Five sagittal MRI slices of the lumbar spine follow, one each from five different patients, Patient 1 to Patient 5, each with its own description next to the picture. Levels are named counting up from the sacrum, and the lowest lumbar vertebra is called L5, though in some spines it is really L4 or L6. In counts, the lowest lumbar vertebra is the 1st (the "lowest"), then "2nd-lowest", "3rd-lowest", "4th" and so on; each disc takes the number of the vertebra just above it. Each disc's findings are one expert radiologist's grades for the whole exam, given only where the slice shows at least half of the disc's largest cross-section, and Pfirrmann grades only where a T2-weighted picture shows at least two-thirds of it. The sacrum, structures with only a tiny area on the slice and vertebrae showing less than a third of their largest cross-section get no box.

Patient 1 of 5:
Image 591x598 | T2-weighted sagittal MRI of the lumbar spine
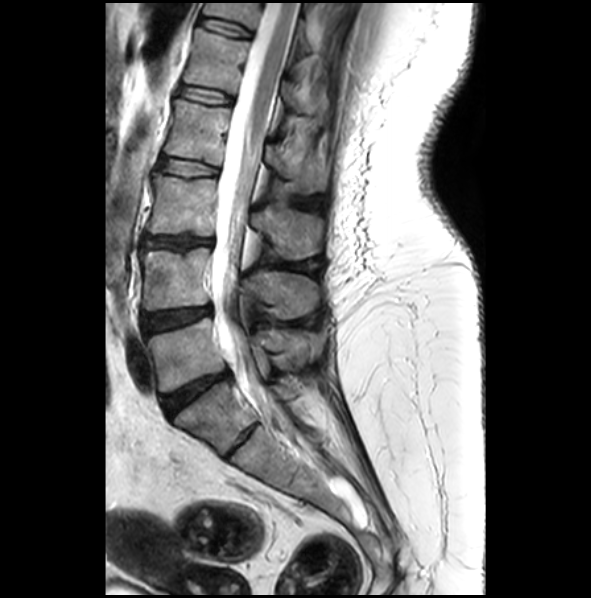
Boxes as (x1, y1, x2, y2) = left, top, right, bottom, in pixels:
Annotations:
• 2nd-lowest vertebra: (139, 247, 318, 318)
• 6th disc: (199, 18, 250, 36)
• 6th vertebra: (203, 2, 310, 52)
• 2nd-lowest disc: (141, 306, 211, 334)
• 3rd-lowest vertebra: (146, 173, 321, 259)
• 5th disc: (178, 85, 233, 103)
• 3rd-lowest disc: (141, 236, 211, 249)
• lowest vertebra: (148, 318, 320, 391)
• 4th vertebra: (165, 99, 328, 192)
• lowest disc: (161, 370, 231, 416)
• spinal canal: (211, 2, 296, 422)
• 5th vertebra: (183, 27, 301, 112)
• 4th disc: (160, 157, 217, 175)

Radiological gradings:
  2nd-lowest disc: Pfirrmann grade 3, disc bulging
  5th disc: Pfirrmann grade 2
  lowest disc: Pfirrmann grade 4, upper-endplate change, lower-endplate change, disc bulging
  4th disc: Pfirrmann grade 2
  3rd-lowest disc: Pfirrmann grade 3, Modic type II, disc bulging, upper-endplate change, lower-endplate change, disc narrowing
  6th disc: Pfirrmann grade 2

Patient 2 of 5:
767x778 px, Sagittal T2-weighted lumbar spine MRI, Scanner: SIEMENS Avanto_fit (1.5T), Slice spacing 4.8 mm, Slice 11/19

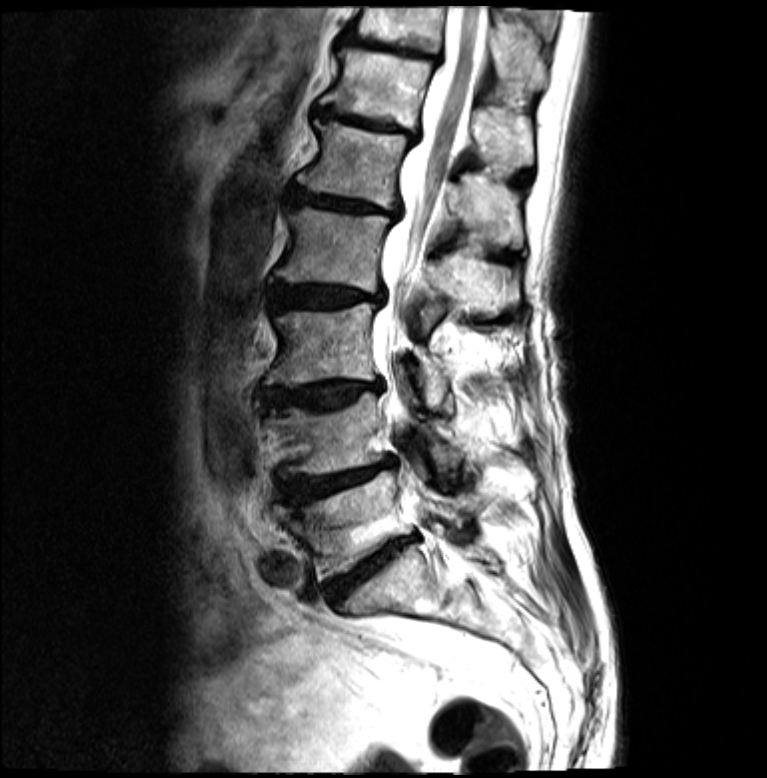
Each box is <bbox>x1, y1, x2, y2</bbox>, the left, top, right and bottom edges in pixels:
Disc L2/L3 — <bbox>270, 284, 384, 310</bbox>.
L4 — <bbox>264, 367, 462, 478</bbox>.
Disc L5/S1 — <bbox>327, 536, 416, 601</bbox>.
L1/L2 — <bbox>290, 189, 398, 220</bbox>.
L3 vertebra — <bbox>266, 304, 450, 409</bbox>.
L1 vertebra — <bbox>297, 121, 524, 250</bbox>.
Disc L4/L5 — <bbox>280, 458, 394, 503</bbox>.
L5 — <bbox>276, 469, 470, 575</bbox>.
T12/L1 — <bbox>315, 109, 418, 141</bbox>.
L2 — <bbox>276, 210, 518, 329</bbox>.
Disc L3/L4 — <bbox>266, 381, 382, 409</bbox>.
Disc T11/T12 — <bbox>341, 38, 442, 65</bbox>.
Thecal sac / spinal canal — <bbox>373, 7, 486, 416</bbox>.
T12 vertebra — <bbox>321, 53, 534, 167</bbox>.
T11 — <bbox>349, 7, 548, 90</bbox>.

Radiological gradings:
- L5/S1: disc narrowing, Modic type II, upper-endplate change, disc bulging, lower-endplate change
- L3/L4: Pfirrmann grade 4, Modic type II, upper-endplate change, disc bulging, lower-endplate change
- T12/L1: Pfirrmann grade 5, upper-endplate change, lower-endplate change, disc bulging, disc narrowing, Modic type II
- L2/L3: Pfirrmann grade 4, upper-endplate change, disc narrowing, Modic type II, disc bulging, lower-endplate change
- L4/L5: Pfirrmann grade 4, disc narrowing, Modic type II, lower-endplate change, disc bulging, upper-endplate change
- T11/T12: Pfirrmann grade 5, upper-endplate change, disc bulging, disc narrowing, lower-endplate change, Modic type II
- L1/L2: Pfirrmann grade 5, upper-endplate change, Modic type II, lower-endplate change, disc bulging, disc narrowing

Patient 3 of 5:
T2 SPACE (3D) sagittal MRI of the lumbar spine. 512x640 px. Patient sex: M. Sagittal slice index 44.

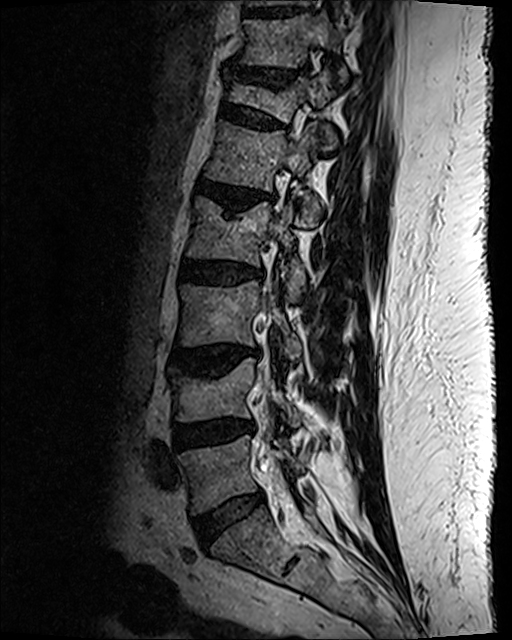
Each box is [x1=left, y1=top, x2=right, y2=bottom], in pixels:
6th disc at [x1=222, y1=105, x2=284, y2=128], 2nd-lowest disc at [x1=174, y1=421, x2=250, y2=447], 4th disc at [x1=180, y1=260, x2=263, y2=285], 8th disc at [x1=247, y1=10, x2=299, y2=17], lowest disc at [x1=194, y1=492, x2=264, y2=543], 3rd-lowest vertebra at [x1=180, y1=281, x2=300, y2=363], lowest vertebra at [x1=181, y1=435, x2=300, y2=514], 5th disc at [x1=197, y1=181, x2=262, y2=211], thecal sac / spinal canal at [x1=260, y1=446, x2=277, y2=474], 7th vertebra at [x1=243, y1=14, x2=346, y2=81], 3rd-lowest disc at [x1=174, y1=346, x2=258, y2=374], 6th vertebra at [x1=227, y1=69, x2=336, y2=149], 4th vertebra at [x1=188, y1=198, x2=304, y2=303], 2nd-lowest vertebra at [x1=170, y1=358, x2=301, y2=427], 7th disc at [x1=229, y1=66, x2=307, y2=90], 5th vertebra at [x1=207, y1=123, x2=319, y2=227].

Per-level radiological findings:
  3rd-lowest disc: Pfirrmann grade 3, upper-endplate change, Modic type II, lower-endplate change, disc bulging
  7th disc: Pfirrmann grade 2, disc bulging, lower-endplate change, upper-endplate change, disc narrowing
  6th disc: Pfirrmann grade 2, lower-endplate change, disc bulging, upper-endplate change, spondylolisthesis
  5th disc: Pfirrmann grade 3, disc bulging, Modic type II, upper-endplate change, lower-endplate change, disc narrowing
  lowest disc: Pfirrmann grade 2, disc bulging
  2nd-lowest disc: Pfirrmann grade 3, disc bulging, disc narrowing
  4th disc: Pfirrmann grade 3, disc bulging, lower-endplate change

Patient 4 of 5:
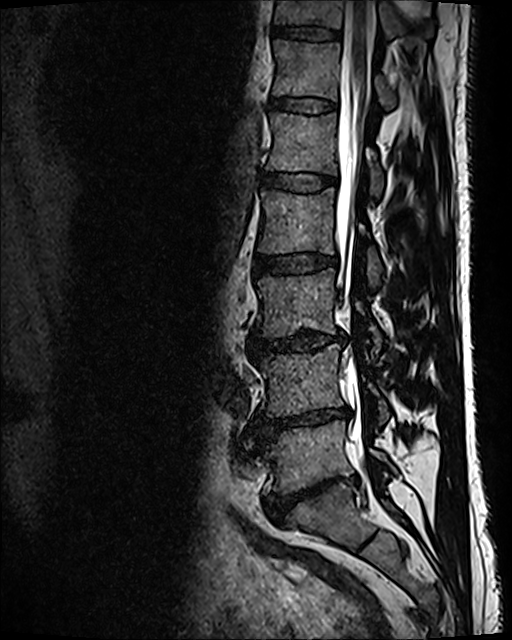 Sex M; 512x640 px; T2 SPACE (3D) sagittal MRI of the lumbar spine; Slice 49 of 120

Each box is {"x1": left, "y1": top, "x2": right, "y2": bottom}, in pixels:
Annotations:
• L4 at {"x1": 256, "y1": 345, "x2": 389, "y2": 423}
• L4/L5 at {"x1": 255, "y1": 407, "x2": 349, "y2": 440}
• L1/L2 at {"x1": 261, "y1": 172, "x2": 336, "y2": 192}
• L1 at {"x1": 267, "y1": 112, "x2": 383, "y2": 197}
• L3 at {"x1": 257, "y1": 268, "x2": 381, "y2": 353}
• spinal canal at {"x1": 336, "y1": 1, "x2": 375, "y2": 436}
• L5 at {"x1": 263, "y1": 421, "x2": 395, "y2": 494}
• L2/L3 at {"x1": 254, "y1": 255, "x2": 336, "y2": 275}
• L2 at {"x1": 258, "y1": 187, "x2": 381, "y2": 285}
• T12/L1 at {"x1": 271, "y1": 97, "x2": 336, "y2": 113}
• T11 vertebra at {"x1": 275, "y1": 0, "x2": 434, "y2": 40}
• L3/L4 at {"x1": 251, "y1": 331, "x2": 343, "y2": 353}
• IVD L5/S1 at {"x1": 263, "y1": 481, "x2": 332, "y2": 522}
• T12 vertebra at {"x1": 273, "y1": 40, "x2": 394, "y2": 109}
• T11/T12 at {"x1": 271, "y1": 26, "x2": 341, "y2": 41}

Expert MSK radiologist gradings (per disc):
  L4/L5: Pfirrmann grade 5, disc bulging, disc narrowing, Modic type II, lower-endplate change
  L5/S1: disc narrowing, lower-endplate change, spondylolisthesis, disc bulging
  T11/T12: Pfirrmann grade 2
  T12/L1: Pfirrmann grade 2
  L1/L2: Pfirrmann grade 2
  L2/L3: Pfirrmann grade 2
  L3/L4: Pfirrmann grade 3, disc bulging, disc narrowing

Patient 5 of 5:
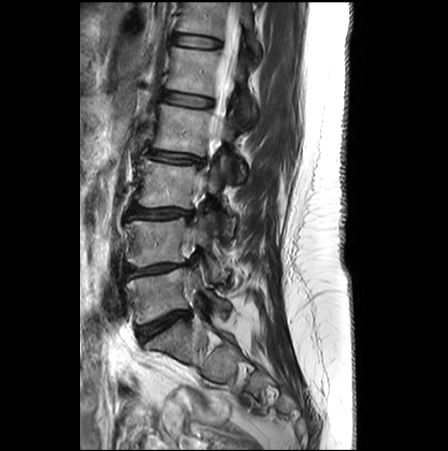 Lumbar spine MR, T2-weighted, sagittal | Slice 10/27
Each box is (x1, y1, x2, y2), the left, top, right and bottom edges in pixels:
Structures:
• L1: (167, 47, 255, 126)
• T12: (178, 0, 260, 54)
• L5: (126, 268, 229, 323)
• L2: (152, 104, 245, 182)
• T12/L1: (173, 33, 220, 47)
• L5/S1: (138, 311, 190, 342)
• spinal canal: (199, 0, 240, 189)
• L3: (138, 160, 234, 237)
• L4/L5: (122, 263, 185, 276)
• L1/L2: (163, 91, 212, 107)
• L4: (125, 217, 227, 281)
• L2/L3: (148, 151, 201, 164)
• intervertebral disc L3/L4: (130, 206, 190, 218)

Radiological gradings:
- L1/L2: Pfirrmann grade 1
- L5/S1: Pfirrmann grade 4, disc bulging, disc narrowing, Modic type II
- L2/L3: Pfirrmann grade 2, disc narrowing, disc bulging
- L4/L5: Pfirrmann grade 3, disc narrowing, upper-endplate change, disc bulging, Modic type II
- L3/L4: Pfirrmann grade 2, disc bulging, Modic type II
- T12/L1: Pfirrmann grade 1